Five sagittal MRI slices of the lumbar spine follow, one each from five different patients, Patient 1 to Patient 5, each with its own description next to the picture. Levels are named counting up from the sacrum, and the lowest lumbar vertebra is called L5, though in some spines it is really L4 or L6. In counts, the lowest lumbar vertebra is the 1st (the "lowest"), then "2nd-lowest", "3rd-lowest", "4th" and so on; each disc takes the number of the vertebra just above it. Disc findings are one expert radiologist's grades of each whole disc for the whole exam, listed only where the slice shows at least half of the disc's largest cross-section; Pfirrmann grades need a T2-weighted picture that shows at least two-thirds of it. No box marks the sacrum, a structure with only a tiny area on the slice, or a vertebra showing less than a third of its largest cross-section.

Patient 1 of 5:
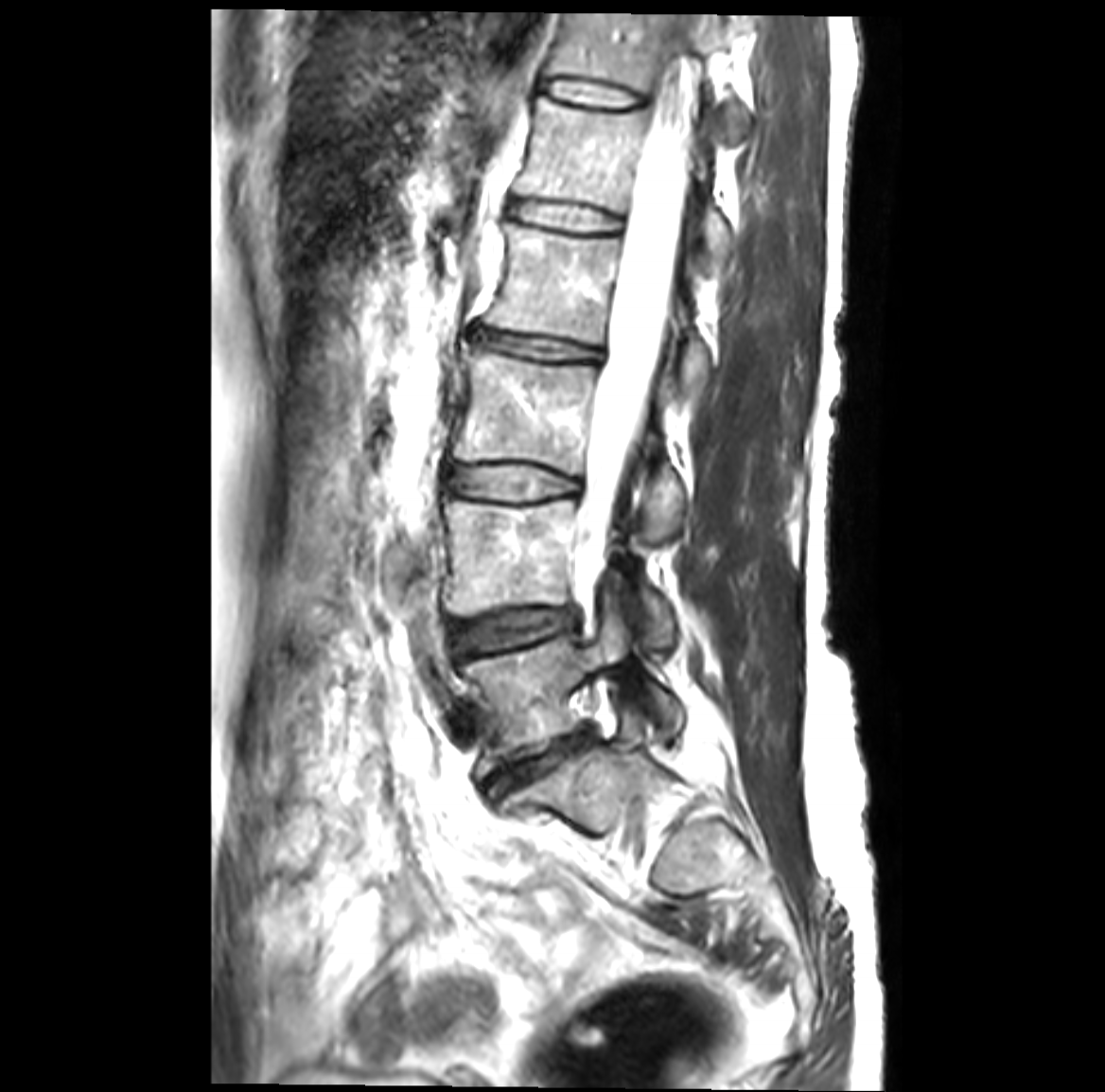 T2-weighted sagittal MRI of the lumbar spine, Slice 24/41, Sex F, Image 1105x1092
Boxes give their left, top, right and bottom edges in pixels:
Spinal canal at left=577, top=47, right=695, bottom=574; L4 at left=444, top=499, right=673, bottom=643; T12 vertebra at left=547, top=13, right=745, bottom=136; L5 at left=460, top=611, right=682, bottom=754; L2 at left=485, top=224, right=710, bottom=390; L1/L2 at left=513, top=202, right=620, bottom=232; L1 at left=517, top=96, right=734, bottom=260; L5/S1 at left=492, top=732, right=586, bottom=794; L3/L4 at left=448, top=465, right=578, bottom=498; L2/L3 at left=473, top=327, right=599, bottom=359; L3 at left=454, top=345, right=682, bottom=540; IVD L4/L5 at left=451, top=609, right=574, bottom=651; T12/L1 at left=542, top=79, right=640, bottom=109.

Radiological gradings:
  L2/L3: Pfirrmann grade 3, disc narrowing, Modic type II, disc bulging
  T12/L1: Pfirrmann grade 1
  L4/L5: Pfirrmann grade 3, Modic type II, disc bulging
  L3/L4: Pfirrmann grade 3, Modic type II, disc bulging
  L1/L2: Pfirrmann grade 1
  L5/S1: Modic type II, disc bulging, disc narrowing

Patient 2 of 5:
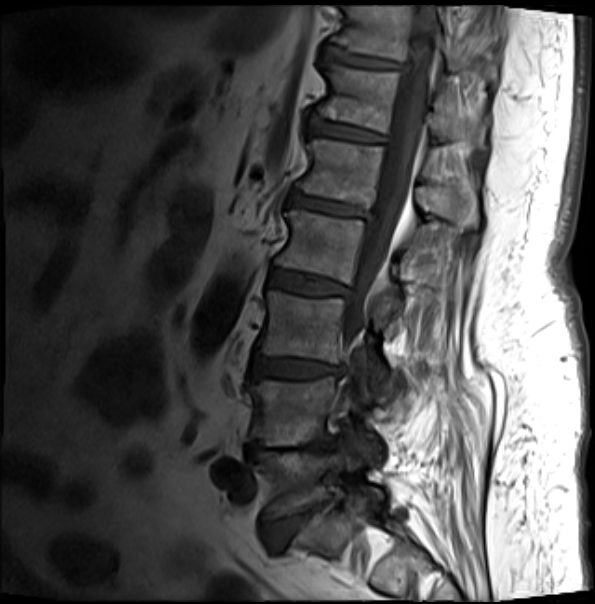 Slice 12 of 20, Sex M, T1-weighted sagittal MRI of the lumbar spine

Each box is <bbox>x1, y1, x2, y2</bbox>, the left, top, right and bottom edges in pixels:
intervertebral disc L1/L2 (5th disc): <bbox>288, 192, 367, 217</bbox> | intervertebral disc L2/L3 (4th disc): <bbox>270, 270, 349, 295</bbox> | T12 (6th vertebra): <bbox>316, 65, 486, 148</bbox> | L4 (2nd-lowest vertebra): <bbox>249, 376, 380, 458</bbox> | intervertebral disc L3/L4 (3rd-lowest disc): <bbox>251, 357, 341, 379</bbox> | L5/S1 (lowest disc): <bbox>264, 501, 330, 551</bbox> | L3 (3rd-lowest vertebra): <bbox>257, 290, 386, 395</bbox> | T11/T12 (7th disc): <bbox>324, 47, 401, 68</bbox> | thecal sac / spinal canal: <bbox>342, 6, 434, 393</bbox> | L5 (lowest vertebra): <bbox>251, 447, 384, 518</bbox> | L4/L5 (2nd-lowest disc): <bbox>246, 441, 338, 459</bbox> | intervertebral disc T12/L1 (6th disc): <bbox>307, 119, 384, 141</bbox> | T11 (7th vertebra): <bbox>331, 6, 496, 81</bbox> | L2 (4th vertebra): <bbox>274, 210, 436, 311</bbox> | L1 (5th vertebra): <bbox>296, 140, 479, 228</bbox>

Expert MSK radiologist gradings (per disc):
• L5/S1 (lowest disc): disc bulging, Modic type II, lower-endplate change, disc narrowing, upper-endplate change
• T11/T12 (7th disc): lower-endplate change, disc bulging, Modic type II, upper-endplate change
• L2/L3 (4th disc): Modic type II, disc bulging, upper-endplate change, lower-endplate change
• L3/L4 (3rd-lowest disc): lower-endplate change, disc bulging, Modic type II, upper-endplate change, disc narrowing
• L1/L2 (5th disc): lower-endplate change, upper-endplate change, Modic type II, disc bulging
• L4/L5 (2nd-lowest disc): Modic type II, disc narrowing, lower-endplate change, upper-endplate change, disc bulging
• T12/L1 (6th disc): lower-endplate change, Modic type II, upper-endplate change

Patient 3 of 5:
Lumbar spine MR, T2 SPACE (3D), sagittal, Scanner: SIEMENS Avanto_fit (1.5T) 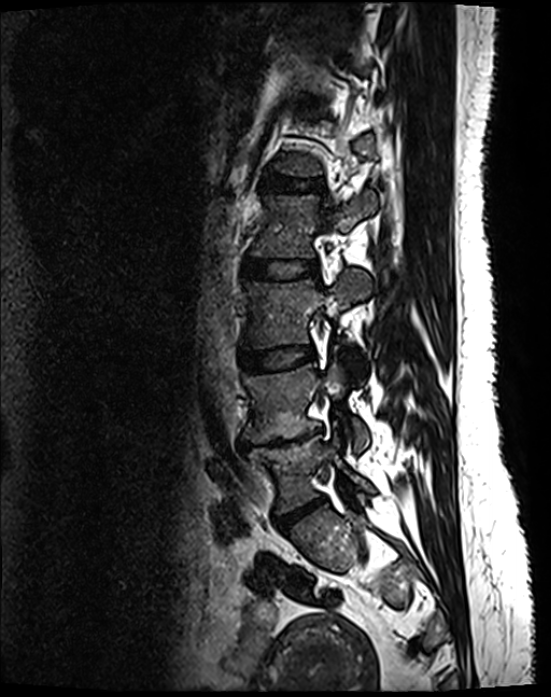

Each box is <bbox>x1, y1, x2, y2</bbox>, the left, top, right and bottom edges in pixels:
Segmented structures:
- intervertebral disc L3/L4 — <bbox>239, 347, 312, 370</bbox>
- L5 vertebra — <bbox>248, 435, 371, 512</bbox>
- intervertebral disc L5/S1 — <bbox>276, 497, 324, 527</bbox>
- intervertebral disc L1/L2 — <bbox>266, 177, 319, 190</bbox>
- L3 vertebra — <bbox>247, 271, 373, 347</bbox>
- L4 vertebra — <bbox>243, 362, 368, 451</bbox>
- intervertebral disc L2/L3 — <bbox>243, 260, 315, 277</bbox>
- L2 vertebra — <bbox>252, 194, 377, 257</bbox>
- L4/L5 — <bbox>239, 431, 320, 450</bbox>

Degenerative findings by level:
• L2/L3: Pfirrmann grade 2
• L3/L4: Pfirrmann grade 2
• L1/L2: no herniation, bulging, narrowing, spondylolisthesis, endplate or Modic change recorded

Patient 4 of 5:
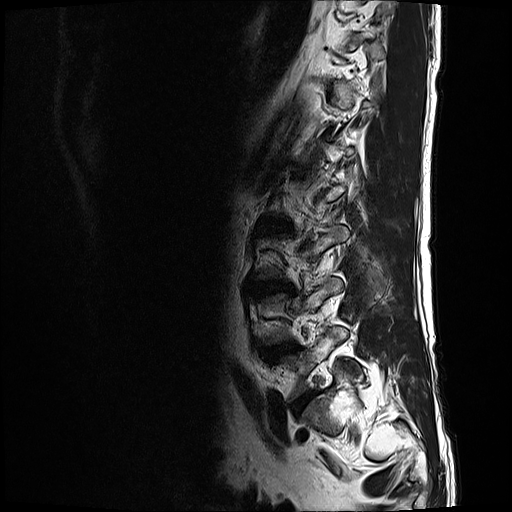 Slice 2/17, T2-weighted sagittal MRI of the lumbar spine
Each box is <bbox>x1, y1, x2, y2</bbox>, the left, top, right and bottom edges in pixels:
L3/L4: <bbox>249, 279, 294, 295</bbox>.
L4: <bbox>258, 277, 341, 345</bbox>.
Intervertebral disc L5/S1: <bbox>291, 390, 318, 415</bbox>.
Intervertebral disc L4/L5: <bbox>262, 339, 301, 361</bbox>.
Intervertebral disc L1/L2: <bbox>292, 165, 302, 170</bbox>.
L5: <bbox>274, 327, 357, 402</bbox>.
L2/L3: <bbox>261, 218, 292, 230</bbox>.

Degenerative findings by level:
  L3/L4: Modic type II, disc narrowing, disc bulging
  L4/L5: disc bulging, Modic type II

Patient 5 of 5:
Sagittal T2-weighted lumbar spine MRI

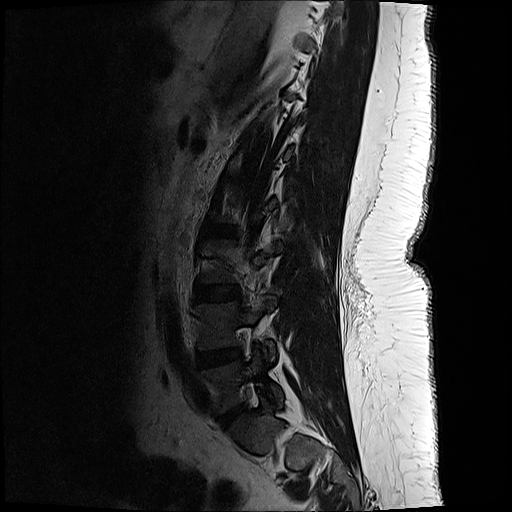 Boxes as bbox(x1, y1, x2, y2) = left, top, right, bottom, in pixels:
Segmented structures:
* L3: bbox(199, 239, 283, 283)
* L5: bbox(200, 351, 279, 412)
* L4 vertebra: bbox(195, 297, 274, 361)
* L5/S1: bbox(216, 402, 243, 422)
* disc L2/L3: bbox(202, 222, 239, 239)
* L4/L5: bbox(195, 348, 239, 369)
* disc L3/L4: bbox(194, 284, 239, 301)

Expert MSK radiologist gradings (per disc):
• L4/L5: disc bulging, disc narrowing
• L3/L4: no spondylolisthesis, narrowing, bulging, herniation, Modic or endplate change recorded